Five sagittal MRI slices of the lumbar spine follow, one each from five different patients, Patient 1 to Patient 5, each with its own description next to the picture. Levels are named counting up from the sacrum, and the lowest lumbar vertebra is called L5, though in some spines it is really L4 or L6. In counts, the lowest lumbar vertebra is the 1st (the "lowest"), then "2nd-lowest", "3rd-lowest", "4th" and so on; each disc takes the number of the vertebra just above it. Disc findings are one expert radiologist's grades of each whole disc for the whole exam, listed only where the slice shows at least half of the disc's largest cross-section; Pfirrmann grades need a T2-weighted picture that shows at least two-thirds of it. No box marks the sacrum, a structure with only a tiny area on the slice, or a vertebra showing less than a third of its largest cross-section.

Patient 1 of 5:
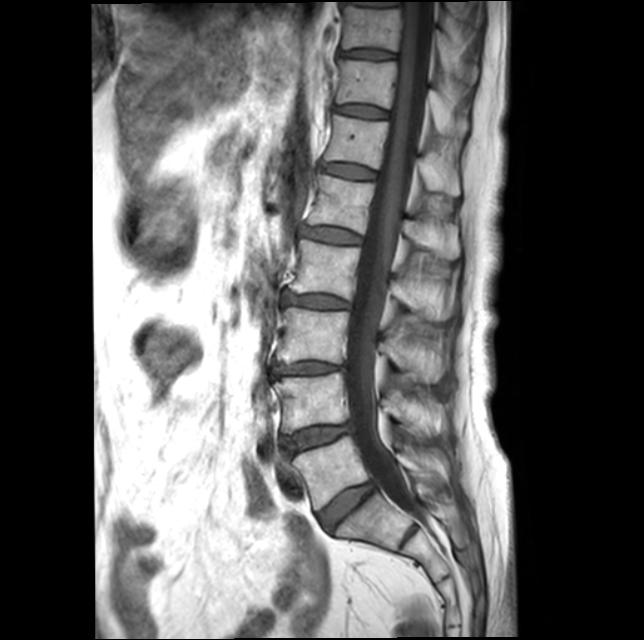
Lumbar spine MR, T1-weighted, sagittal; Patient sex: F
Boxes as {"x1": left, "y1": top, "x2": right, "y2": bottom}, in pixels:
Thecal sac / spinal canal at {"x1": 347, "y1": 2, "x2": 433, "y2": 515}, L3/L4 at {"x1": 276, "y1": 362, "x2": 342, "y2": 375}, T11 vertebra at {"x1": 336, "y1": 58, "x2": 468, "y2": 136}, IVD L5/S1 at {"x1": 318, "y1": 483, "x2": 375, "y2": 529}, L1/L2 at {"x1": 302, "y1": 226, "x2": 361, "y2": 243}, T11/T12 at {"x1": 335, "y1": 105, "x2": 389, "y2": 117}, L4 vertebra at {"x1": 273, "y1": 372, "x2": 445, "y2": 434}, L1 vertebra at {"x1": 307, "y1": 174, "x2": 459, "y2": 259}, L2/L3 at {"x1": 283, "y1": 293, "x2": 349, "y2": 308}, L2 at {"x1": 289, "y1": 239, "x2": 451, "y2": 320}, T10 at {"x1": 342, "y1": 2, "x2": 478, "y2": 84}, T12/L1 at {"x1": 321, "y1": 164, "x2": 376, "y2": 178}, IVD T10/T11 at {"x1": 340, "y1": 50, "x2": 395, "y2": 59}, L3 at {"x1": 277, "y1": 307, "x2": 444, "y2": 383}, T12 at {"x1": 325, "y1": 114, "x2": 460, "y2": 196}, IVD L4/L5 at {"x1": 282, "y1": 423, "x2": 352, "y2": 454}, L5 at {"x1": 292, "y1": 436, "x2": 448, "y2": 510}.

Radiological gradings:
- L2/L3: disc narrowing, Modic type II, disc bulging, lower-endplate change, upper-endplate change
- L1/L2: Modic type II
- L3/L4: disc narrowing, Modic type II, upper-endplate change, disc bulging, lower-endplate change
- L4/L5: upper-endplate change, Modic type II, disc bulging, lower-endplate change
- T12/L1, T11/T12, L5/S1, T10/T11: no spondylolisthesis, narrowing, bulging, herniation, Modic or endplate change recorded

Patient 2 of 5:
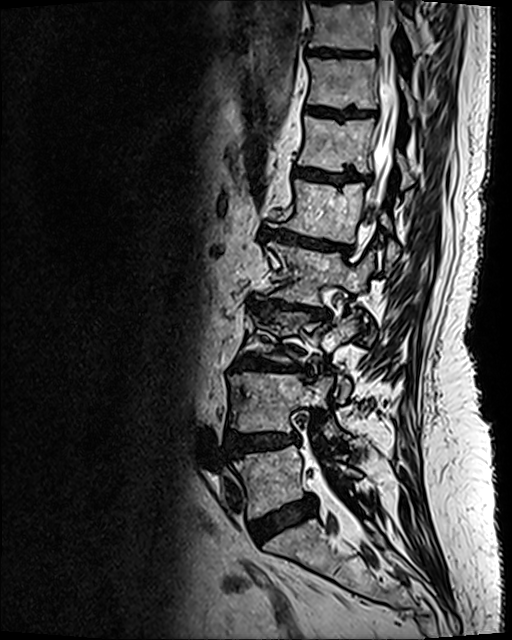 Sagittal T2 SPACE (3D) lumbar spine MRI

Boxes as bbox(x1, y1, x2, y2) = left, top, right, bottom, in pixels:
L4 at bbox(229, 372, 348, 438).
L2/L3 at bbox(246, 296, 330, 320).
T10 at bbox(309, 0, 424, 55).
IVD T11/T12 at bbox(306, 107, 365, 118).
L4/L5 at bbox(225, 431, 298, 457).
L3 vertebra at bbox(256, 312, 359, 401).
IVD L3/L4 at bbox(234, 353, 305, 375).
IVD T10/T11 at bbox(308, 48, 351, 56).
Spinal canal at bbox(366, 0, 397, 222).
IVD L5/S1 at bbox(250, 496, 315, 541).
T11 vertebra at bbox(307, 57, 414, 116).
T12 vertebra at bbox(298, 116, 413, 189).
L5 vertebra at bbox(233, 445, 360, 517).
T12/L1 at bbox(293, 169, 369, 183).
L2 at bbox(268, 242, 375, 340).
IVD L1/L2 at bbox(261, 228, 348, 252).
L1 at bbox(279, 179, 399, 263).

Radiological gradings:
• L4/L5: Pfirrmann grade 4, upper-endplate change, lower-endplate change, disc bulging
• T10/T11: Pfirrmann grade 4, lower-endplate change, upper-endplate change
• L2/L3: Pfirrmann grade 5, disc bulging, disc narrowing, upper-endplate change, lower-endplate change, Modic type II
• T12/L1: Pfirrmann grade 4, lower-endplate change, upper-endplate change, Modic type II
• L5/S1: Pfirrmann grade 4, disc bulging
• L1/L2: Pfirrmann grade 5, disc narrowing, Modic type II, disc bulging, lower-endplate change, upper-endplate change
• L3/L4: disc bulging, disc narrowing, lower-endplate change, upper-endplate change, Modic type II
• T11/T12: Pfirrmann grade 4, lower-endplate change, upper-endplate change

Patient 3 of 5:
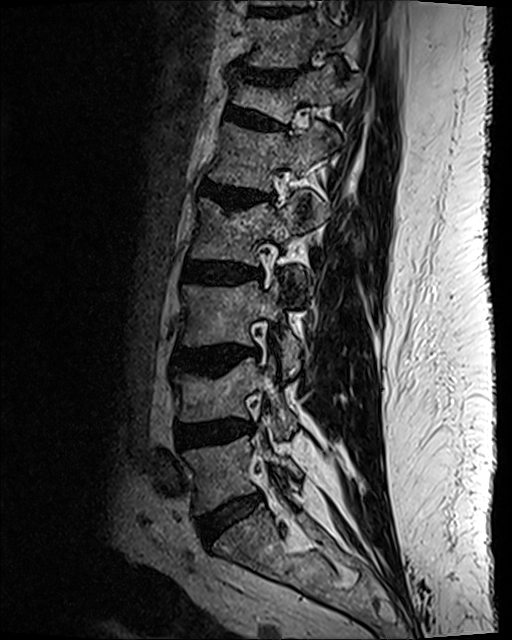 Sagittal slice index 40; Lumbar spine MR, T2 SPACE (3D), sagittal
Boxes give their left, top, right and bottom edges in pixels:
8th disc: left=256, top=10, right=296, bottom=18
6th vertebra: left=234, top=64, right=347, bottom=122
5th vertebra: left=211, top=123, right=337, bottom=191
2nd-lowest disc: left=176, top=423, right=246, bottom=447
lowest disc: left=198, top=494, right=261, bottom=540
2nd-lowest vertebra: left=174, top=358, right=297, bottom=437
4th disc: left=182, top=262, right=263, bottom=284
6th disc: left=227, top=106, right=282, bottom=130
lowest vertebra: left=184, top=436, right=301, bottom=513
4th vertebra: left=192, top=195, right=313, bottom=286
7th disc: left=231, top=67, right=306, bottom=86
3rd-lowest disc: left=176, top=346, right=258, bottom=371
7th vertebra: left=248, top=17, right=349, bottom=68
5th disc: left=201, top=182, right=262, bottom=208
3rd-lowest vertebra: left=182, top=281, right=301, bottom=375

Per-level radiological findings:
- 6th disc: lower-endplate change, disc bulging, spondylolisthesis, upper-endplate change
- 7th disc: Pfirrmann grade 2, upper-endplate change, lower-endplate change, disc bulging, disc narrowing
- 5th disc: Pfirrmann grade 3, disc narrowing, disc bulging, lower-endplate change, Modic type II, upper-endplate change
- 4th disc: Pfirrmann grade 3, lower-endplate change, disc bulging
- 3rd-lowest disc: Pfirrmann grade 3, lower-endplate change, Modic type II, disc bulging, upper-endplate change
- 2nd-lowest disc: Pfirrmann grade 3, disc bulging, disc narrowing
- lowest disc: Pfirrmann grade 2, disc bulging

Patient 4 of 5:
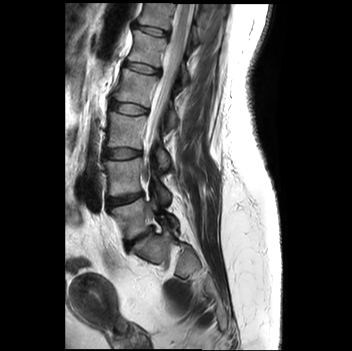 T2-weighted sagittal MRI of the lumbar spine, Patient sex: F

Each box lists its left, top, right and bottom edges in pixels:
T12 (6th vertebra) at left=138, top=3, right=200, bottom=43; L2 (4th vertebra) at left=115, top=69, right=177, bottom=129; L4 (2nd-lowest vertebra) at left=104, top=158, right=170, bottom=203; intervertebral disc L3/L4 (3rd-lowest disc) at left=104, top=148, right=141, bottom=159; intervertebral disc L1/L2 (5th disc) at left=125, top=62, right=159, bottom=73; spinal canal at left=146, top=4, right=193, bottom=142; L2/L3 (4th disc) at left=110, top=101, right=147, bottom=113; L3 (3rd-lowest vertebra) at left=107, top=112, right=169, bottom=170; L4/L5 (2nd-lowest disc) at left=108, top=193, right=142, bottom=205; intervertebral disc L5/S1 (lowest disc) at left=127, top=227, right=152, bottom=247; L1 (5th vertebra) at left=128, top=30, right=189, bottom=87; intervertebral disc T12/L1 (6th disc) at left=135, top=25, right=168, bottom=35; L5 (lowest vertebra) at left=111, top=198, right=177, bottom=238.

Per-level radiological findings:
- L1/L2 (5th disc): Pfirrmann grade 1
- L2/L3 (4th disc): Pfirrmann grade 1
- L3/L4 (3rd-lowest disc): Pfirrmann grade 1
- T12/L1 (6th disc): Pfirrmann grade 1
- L4/L5 (2nd-lowest disc): no spondylolisthesis, narrowing, bulging, herniation, Modic or endplate change recorded

Patient 5 of 5:
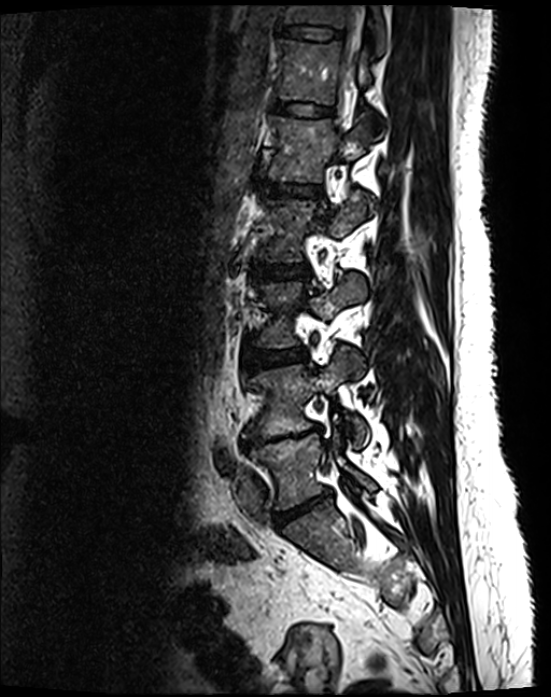 Slice 86 of 130, T2 SPACE (3D) sagittal MRI of the lumbar spine
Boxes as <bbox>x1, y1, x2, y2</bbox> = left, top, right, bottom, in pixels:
4th vertebra: <bbox>257, 194, 367, 261</bbox> | 2nd-lowest disc: <bbox>242, 426, 321, 448</bbox> | 7th disc: <bbox>282, 25, 342, 38</bbox> | 6th vertebra: <bbox>277, 38, 381, 125</bbox> | lowest disc: <bbox>276, 495, 329, 527</bbox> | 2nd-lowest vertebra: <bbox>242, 350, 369, 448</bbox> | lowest vertebra: <bbox>249, 430, 375, 510</bbox> | 4th disc: <bbox>250, 264, 308, 279</bbox> | 5th disc: <bbox>259, 180, 319, 196</bbox> | 3rd-lowest vertebra: <bbox>254, 273, 365, 348</bbox> | 6th disc: <bbox>273, 101, 332, 115</bbox> | 7th vertebra: <bbox>283, 5, 385, 54</bbox> | 5th vertebra: <bbox>267, 116, 373, 210</bbox> | 3rd-lowest disc: <bbox>248, 348, 307, 369</bbox> | spinal canal: <bbox>347, 42, 355, 81</bbox>

Radiological gradings:
- 7th disc: Pfirrmann grade 2
- 5th disc: Pfirrmann grade 2
- 2nd-lowest disc: upper-endplate change, disc narrowing, disc bulging, lower-endplate change, Modic type II
- 6th disc: Pfirrmann grade 2
- 4th disc, 3rd-lowest disc: no herniation, bulging, narrowing, spondylolisthesis, endplate or Modic change recorded